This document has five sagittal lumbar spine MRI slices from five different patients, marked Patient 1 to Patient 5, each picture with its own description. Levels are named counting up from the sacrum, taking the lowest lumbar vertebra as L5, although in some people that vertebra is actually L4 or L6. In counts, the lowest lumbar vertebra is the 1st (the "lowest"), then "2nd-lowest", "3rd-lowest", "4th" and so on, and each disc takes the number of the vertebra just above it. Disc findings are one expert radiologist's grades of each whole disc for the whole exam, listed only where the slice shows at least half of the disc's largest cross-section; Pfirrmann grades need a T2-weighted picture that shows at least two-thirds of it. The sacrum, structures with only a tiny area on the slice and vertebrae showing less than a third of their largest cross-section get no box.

Patient 1 of 5:
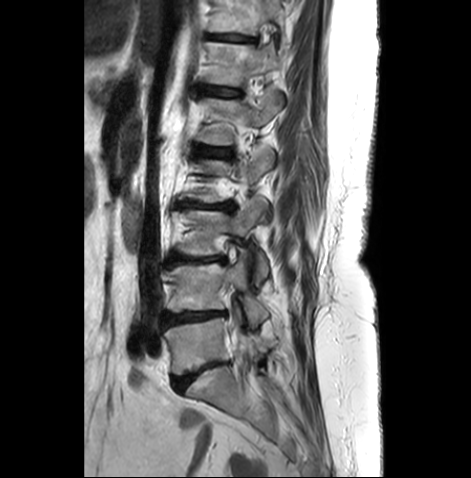

Image 471x478 | Field of view 281x281 mm | T2-weighted sagittal MRI of the lumbar spine | Sex F

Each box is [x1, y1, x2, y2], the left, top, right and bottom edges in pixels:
Annotations:
• IVD T12/L1 (6th disc) — [202, 87, 240, 96]
• L1 (5th vertebra) — [197, 88, 280, 144]
• L3 (3rd-lowest vertebra) — [180, 198, 268, 288]
• IVD L2/L3 (4th disc) — [177, 201, 234, 211]
• IVD L3/L4 (3rd-lowest disc) — [169, 255, 225, 263]
• IVD T11/T12 (7th disc) — [208, 34, 254, 42]
• spinal canal — [231, 329, 245, 349]
• L5 (lowest vertebra) — [164, 309, 267, 374]
• L4/L5 (2nd-lowest disc) — [166, 311, 225, 323]
• T11 (7th vertebra) — [209, 0, 285, 40]
• L5/S1 (lowest disc) — [174, 363, 226, 392]
• L4 (2nd-lowest vertebra) — [168, 252, 267, 326]
• L1/L2 (5th disc) — [195, 145, 226, 155]
• T12 (6th vertebra) — [207, 40, 287, 85]

Expert MSK radiologist gradings (per disc):
• T11/T12 (7th disc): Pfirrmann grade 3, disc bulging, upper-endplate change, lower-endplate change
• L2/L3 (4th disc): Modic type II, disc narrowing, disc bulging, upper-endplate change, lower-endplate change
• L5/S1 (lowest disc): Pfirrmann grade 4, disc narrowing, disc bulging, Modic type II
• L4/L5 (2nd-lowest disc): Pfirrmann grade 4, disc narrowing, upper-endplate change, lower-endplate change, Modic type II, disc bulging

Patient 2 of 5:
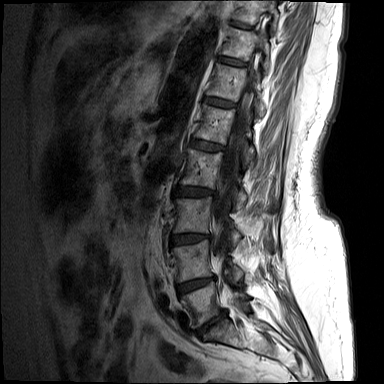
Lumbar spine MR, T1-weighted, sagittal. 384x384 px.

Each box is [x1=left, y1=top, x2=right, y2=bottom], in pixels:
Segmented structures:
- 8th disc: [x1=231, y1=21, x2=252, y2=29]
- 7th vertebra: [x1=221, y1=27, x2=270, y2=70]
- 4th disc: [x1=176, y1=186, x2=214, y2=196]
- 7th disc: [x1=219, y1=57, x2=245, y2=66]
- 3rd-lowest disc: [x1=171, y1=233, x2=210, y2=245]
- 5th disc: [x1=190, y1=139, x2=224, y2=150]
- 6th disc: [x1=205, y1=98, x2=236, y2=107]
- lowest disc: [x1=196, y1=311, x2=226, y2=335]
- 6th vertebra: [x1=207, y1=63, x2=265, y2=116]
- lowest vertebra: [x1=181, y1=281, x2=248, y2=328]
- 2nd-lowest vertebra: [x1=172, y1=239, x2=244, y2=281]
- 3rd-lowest vertebra: [x1=173, y1=197, x2=242, y2=244]
- 2nd-lowest disc: [x1=177, y1=277, x2=215, y2=293]
- 4th vertebra: [x1=181, y1=149, x2=279, y2=210]
- 5th vertebra: [x1=194, y1=104, x2=254, y2=167]
- spinal canal: [x1=213, y1=46, x2=261, y2=263]
- 8th vertebra: [x1=231, y1=0, x2=279, y2=29]

Per-level radiological findings:
• 2nd-lowest disc: disc bulging, disc narrowing
• lowest disc: disc bulging, disc narrowing, Modic type II
• 4th disc: disc bulging, Modic type II
• 5th disc: Modic type II
• 3rd-lowest disc: disc narrowing, disc bulging
• 6th disc, 7th disc, 8th disc: no Modic or endplate change, herniation, narrowing, bulging or spondylolisthesis recorded

Patient 3 of 5:
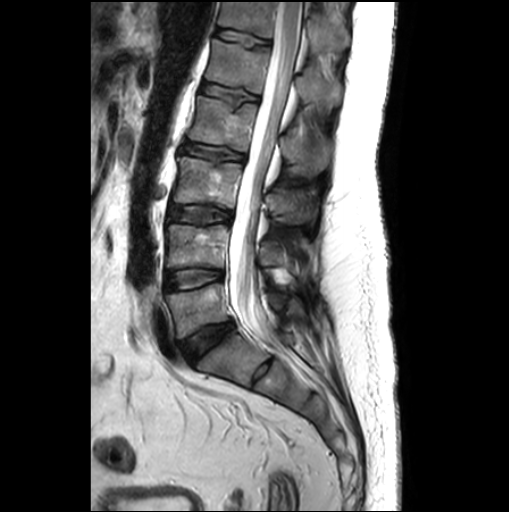 MRI lumbar spine (T2-weighted), sagittal plane; 509x512 px; Sagittal slice index 13; Field of view 280x282 mm, slice spacing 3.3 mm
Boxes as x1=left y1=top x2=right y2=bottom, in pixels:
L2/L3 — x1=182 y1=143 x2=244 y2=160.
Thecal sac / spinal canal — x1=232 y1=2 x2=302 y2=332.
L3 — x1=173 y1=156 x2=310 y2=223.
L5 — x1=166 y1=283 x2=304 y2=338.
L5/S1 — x1=182 y1=320 x2=233 y2=362.
L2 vertebra — x1=188 y1=95 x2=331 y2=175.
T12 — x1=218 y1=2 x2=349 y2=52.
Disc L3/L4 — x1=169 y1=205 x2=232 y2=223.
Disc L1/L2 — x1=201 y1=82 x2=258 y2=105.
Disc T12/L1 — x1=216 y1=29 x2=268 y2=44.
L1 — x1=206 y1=39 x2=340 y2=110.
L4 — x1=167 y1=224 x2=294 y2=271.
Disc L4/L5 — x1=166 y1=268 x2=223 y2=290.

Degenerative findings by level:
• L1/L2: Pfirrmann grade 1, upper-endplate change, lower-endplate change
• T12/L1: Pfirrmann grade 1
• L5/S1: Pfirrmann grade 3, disc bulging
• L2/L3: Pfirrmann grade 1, upper-endplate change, lower-endplate change, disc bulging
• L4/L5: Pfirrmann grade 1
• L3/L4: Pfirrmann grade 1

Patient 4 of 5:
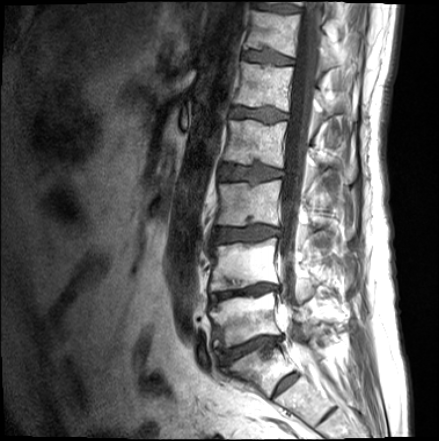 439x441 px. MRI lumbar spine (T1-weighted), sagittal plane. Slice spacing 4.4 mm.
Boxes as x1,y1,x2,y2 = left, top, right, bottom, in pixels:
L3 vertebra: 215,180,318,225
IVD L3/L4: 211,226,279,243
T11/T12: 253,2,299,13
L4: 210,238,315,297
L1: 234,62,356,119
IVD L1/L2: 231,106,286,123
thecal sac / spinal canal: 279,1,322,372
IVD L2/L3: 220,164,283,181
L2 vertebra: 224,120,357,180
IVD L5/S1: 219,336,282,365
IVD T12/L1: 243,51,293,64
IVD L4/L5: 210,284,277,304
L5: 210,292,306,347
T12 vertebra: 244,10,360,68

Radiological gradings:
• T12/L1: upper-endplate change, lower-endplate change
• L5/S1: lower-endplate change, upper-endplate change, disc bulging, disc narrowing, Modic type II
• L2/L3: upper-endplate change, lower-endplate change
• L1/L2: lower-endplate change, upper-endplate change
• L4/L5: lower-endplate change, upper-endplate change, disc bulging, disc narrowing, Modic type II
• L3/L4: upper-endplate change, disc bulging, lower-endplate change
• T11/T12: no herniation, bulging, narrowing, spondylolisthesis, endplate or Modic change recorded

Patient 5 of 5:
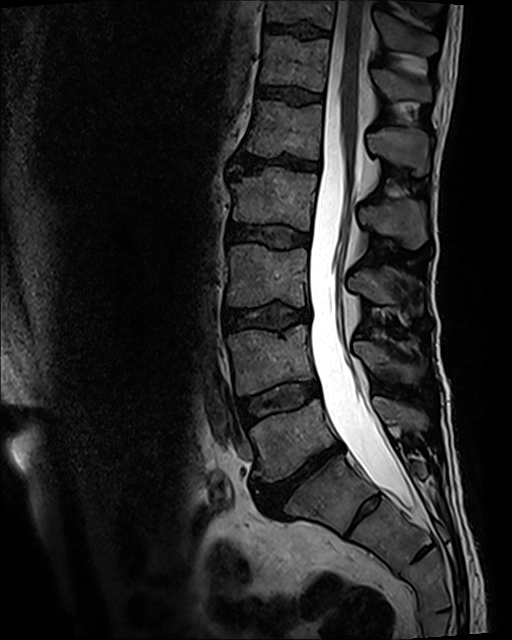

Field of view 240x300 mm, slice spacing 0.9 mm | Patient sex: M | MRI lumbar spine (T2 SPACE (3D)), sagittal plane
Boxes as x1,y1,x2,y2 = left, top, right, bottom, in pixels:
Annotations:
* intervertebral disc T11/T12 (7th disc) = 265,23,328,37
* intervertebral disc L4/L5 (2nd-lowest disc) = 241,381,318,423
* L2 (4th vertebra) = 231,167,426,248
* L4 (2nd-lowest vertebra) = 227,325,422,395
* L5 (lowest vertebra) = 250,397,427,481
* T11 (7th vertebra) = 267,0,437,54
* L3/L4 (3rd-lowest disc) = 223,305,310,330
* L3 (3rd-lowest vertebra) = 227,244,404,306
* T12/L1 (6th disc) = 257,84,321,104
* intervertebral disc L2/L3 (4th disc) = 227,223,310,247
* L1 (5th vertebra) = 244,101,428,174
* intervertebral disc L5/S1 (lowest disc) = 255,443,343,510
* T12 (6th vertebra) = 260,35,430,101
* L1/L2 (5th disc) = 230,153,319,177
* thecal sac / spinal canal = 309,0,413,508

Degenerative findings by level:
• L2/L3 (4th disc): Pfirrmann grade 3
• L4/L5 (2nd-lowest disc): Pfirrmann grade 3, Modic type II
• T12/L1 (6th disc): Pfirrmann grade 3
• T11/T12 (7th disc): Pfirrmann grade 3, lower-endplate change, upper-endplate change
• L3/L4 (3rd-lowest disc): Pfirrmann grade 3, upper-endplate change, disc bulging, lower-endplate change
• L5/S1 (lowest disc): Pfirrmann grade 5, lower-endplate change, Modic type II, upper-endplate change, disc narrowing, disc bulging
• L1/L2 (5th disc): Pfirrmann grade 5, disc narrowing, lower-endplate change, upper-endplate change, disc bulging, Modic type II